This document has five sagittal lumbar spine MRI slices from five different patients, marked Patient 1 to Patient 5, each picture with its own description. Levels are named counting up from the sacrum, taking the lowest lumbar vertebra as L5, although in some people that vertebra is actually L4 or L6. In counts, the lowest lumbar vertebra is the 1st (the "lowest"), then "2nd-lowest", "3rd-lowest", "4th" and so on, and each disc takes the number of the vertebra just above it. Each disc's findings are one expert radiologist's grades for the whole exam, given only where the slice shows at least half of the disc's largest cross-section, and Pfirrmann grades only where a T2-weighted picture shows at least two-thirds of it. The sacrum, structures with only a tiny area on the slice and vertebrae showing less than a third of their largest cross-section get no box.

Patient 1 of 5:
Lumbar spine MR, T2-weighted, sagittal; Slice spacing 3.3 mm; Philips Healthcare Ingenia (3T); Patient sex: F 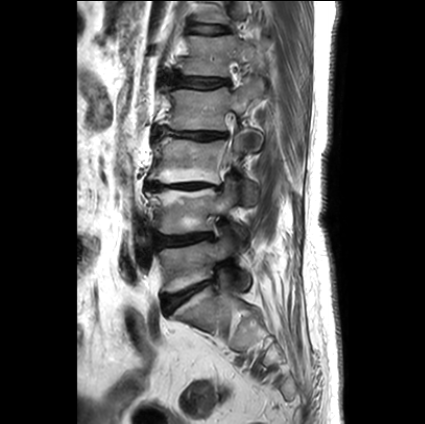

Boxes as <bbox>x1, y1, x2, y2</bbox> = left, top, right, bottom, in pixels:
L1/L2 at <bbox>168, 73, 230, 87</bbox>, IVD T12/L1 at <bbox>190, 25, 224, 33</bbox>, IVD L4/L5 at <bbox>155, 233, 212, 247</bbox>, L2/L3 at <bbox>153, 126, 224, 140</bbox>, L3 at <bbox>148, 134, 256, 205</bbox>, IVD L5/S1 at <bbox>162, 280, 212, 313</bbox>, L1 at <bbox>182, 35, 256, 76</bbox>, L2 vertebra at <bbox>160, 78, 263, 151</bbox>, L5 vertebra at <bbox>160, 235, 249, 292</bbox>, L4 at <bbox>146, 179, 246, 243</bbox>, IVD L3/L4 at <bbox>145, 182, 221, 190</bbox>.

Degenerative findings by level:
- L3/L4: Pfirrmann grade 5, disc bulging, upper-endplate change, disc narrowing, Modic type II, lower-endplate change
- L5/S1: Pfirrmann grade 1, disc bulging
- L1/L2: Pfirrmann grade 4, upper-endplate change, disc bulging, lower-endplate change
- L4/L5: Pfirrmann grade 2, disc bulging
- L2/L3: Pfirrmann grade 1, disc narrowing, upper-endplate change, lower-endplate change, disc bulging
- T12/L1: no Modic or endplate change, herniation, narrowing, bulging or spondylolisthesis recorded

Patient 2 of 5:
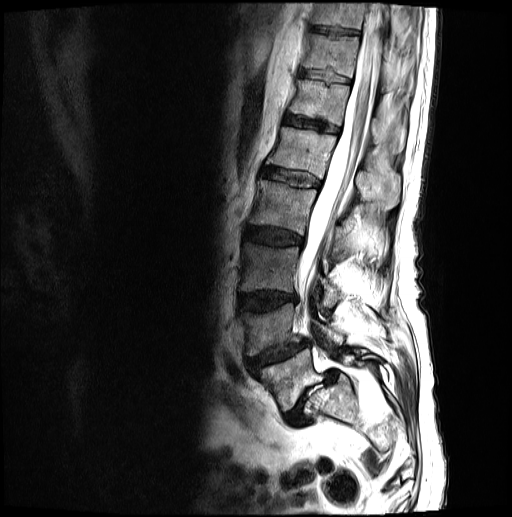 MRI lumbar spine (T2-weighted), sagittal plane, Patient sex: M

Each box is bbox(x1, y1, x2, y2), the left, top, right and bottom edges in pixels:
7th vertebra: bbox(302, 34, 413, 92)
8th vertebra: bbox(308, 3, 395, 35)
3rd-lowest disc: bbox(237, 292, 296, 310)
4th disc: bbox(245, 227, 302, 245)
lowest disc: bbox(285, 370, 335, 426)
7th disc: bbox(297, 70, 349, 84)
2nd-lowest disc: bbox(245, 341, 308, 368)
3rd-lowest vertebra: bbox(239, 242, 341, 307)
5th vertebra: bbox(266, 127, 401, 209)
2nd-lowest vertebra: bbox(239, 303, 344, 356)
lowest vertebra: bbox(252, 349, 381, 412)
6th vertebra: bbox(289, 81, 405, 154)
8th disc: bbox(307, 25, 359, 36)
5th disc: bbox(262, 167, 319, 187)
spinal canal: bbox(297, 3, 383, 315)
4th vertebra: bbox(250, 180, 353, 258)
6th disc: bbox(283, 115, 338, 133)

Radiological gradings:
  6th disc: Pfirrmann grade 3
  5th disc: Pfirrmann grade 3
  3rd-lowest disc: Pfirrmann grade 3, disc bulging, lower-endplate change, upper-endplate change
  8th disc: Pfirrmann grade 3
  lowest disc: Pfirrmann grade 5, disc herniation, spondylolisthesis, disc narrowing, Modic type II
  7th disc: Pfirrmann grade 3
  4th disc: Pfirrmann grade 3, disc bulging
  2nd-lowest disc: spondylolisthesis, lower-endplate change, disc herniation, upper-endplate change, disc narrowing

Patient 3 of 5:
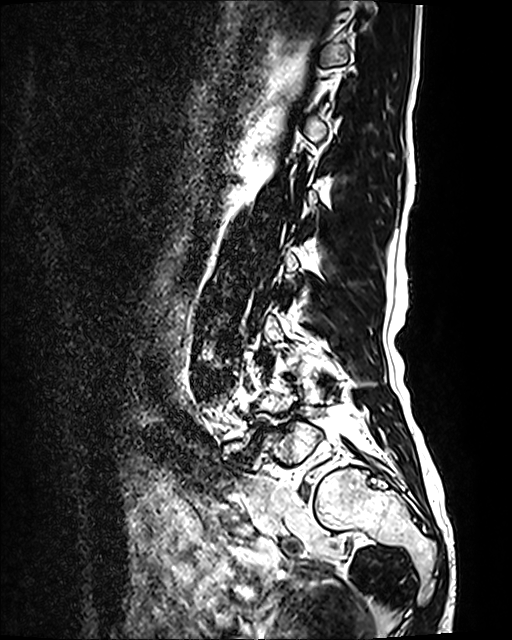 Image 512x640 | Slice 32 of 120 | T2 SPACE (3D) sagittal MRI of the lumbar spine | Field of view 240x300 mm

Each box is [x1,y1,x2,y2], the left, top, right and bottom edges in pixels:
Lowest disc: [234,426,265,459].
2nd-lowest disc: [209,374,228,390].

Patient 4 of 5:
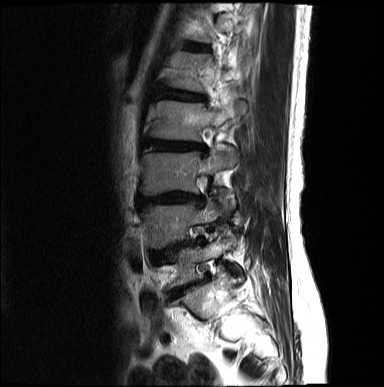
Image 384x387; MRI lumbar spine (T2-weighted), sagittal plane

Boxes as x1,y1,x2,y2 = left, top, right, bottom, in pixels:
4th disc: 145,139,204,150
4th vertebra: 150,101,247,140
5th disc: 158,89,204,100
3rd-lowest vertebra: 139,146,237,213
5th vertebra: 169,51,236,92
lowest vertebra: 168,233,239,288
2nd-lowest disc: 151,241,196,256
3rd-lowest disc: 137,191,201,206
lowest disc: 172,278,206,296
6th disc: 185,43,205,50
2nd-lowest vertebra: 140,198,219,248

Expert MSK radiologist gradings (per disc):
  4th disc: Pfirrmann grade 4, disc narrowing, upper-endplate change, lower-endplate change, disc bulging
  5th disc: Pfirrmann grade 3, upper-endplate change, disc bulging, lower-endplate change
  3rd-lowest disc: Pfirrmann grade 5, disc bulging, lower-endplate change, disc narrowing, upper-endplate change

Patient 5 of 5:
Lumbar spine MR, T2 SPACE (3D), sagittal | Patient sex: F

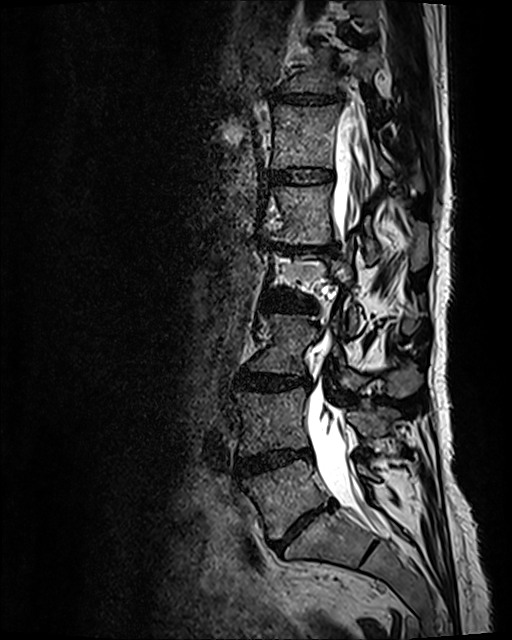
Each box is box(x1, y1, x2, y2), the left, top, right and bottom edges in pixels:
Thecal sac / spinal canal = box(306, 111, 389, 535).
L1 (5th vertebra) = box(264, 183, 428, 270).
L5 (lowest vertebra) = box(242, 460, 376, 539).
L3 (3rd-lowest vertebra) = box(248, 314, 420, 398).
Disc T11/T12 (7th disc) = box(272, 90, 345, 107).
T12 (6th vertebra) = box(271, 104, 423, 190).
L5/S1 (lowest disc) = box(274, 504, 329, 550).
T11 (7th vertebra) = box(285, 44, 382, 102).
L4/L5 (2nd-lowest disc) = box(236, 450, 310, 474).
L1/L2 (5th disc) = box(266, 242, 338, 254).
Disc L2/L3 (4th disc) = box(263, 292, 314, 311).
Disc L3/L4 (3rd-lowest disc) = box(236, 371, 309, 390).
T12/L1 (6th disc) = box(269, 166, 333, 185).
L4 (2nd-lowest vertebra) = box(235, 388, 399, 456).

Expert MSK radiologist gradings (per disc):
  L5/S1 (lowest disc): disc bulging, Modic type II, upper-endplate change, disc narrowing, lower-endplate change
  L3/L4 (3rd-lowest disc): Pfirrmann grade 3, disc bulging
  L4/L5 (2nd-lowest disc): Pfirrmann grade 4, disc bulging, Modic type II, disc narrowing
  L1/L2 (5th disc): Pfirrmann grade 5, disc narrowing, upper-endplate change, lower-endplate change, disc bulging, Modic type II
  T11/T12 (7th disc): Pfirrmann grade 3, disc narrowing, disc bulging
  T12/L1 (6th disc): Pfirrmann grade 2